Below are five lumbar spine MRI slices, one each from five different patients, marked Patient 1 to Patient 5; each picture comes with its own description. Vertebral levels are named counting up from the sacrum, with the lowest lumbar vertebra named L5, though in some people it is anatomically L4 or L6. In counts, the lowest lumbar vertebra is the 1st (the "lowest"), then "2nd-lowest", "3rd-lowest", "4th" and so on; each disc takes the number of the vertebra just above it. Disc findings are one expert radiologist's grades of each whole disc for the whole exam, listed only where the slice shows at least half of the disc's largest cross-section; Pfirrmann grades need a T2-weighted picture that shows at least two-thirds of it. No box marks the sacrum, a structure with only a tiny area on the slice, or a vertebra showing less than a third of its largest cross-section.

Patient 1 of 5:
Sagittal slice index 8 | MRI lumbar spine (T2-weighted), sagittal plane | Patient sex: M | Scanner: Philips Healthcare Ingenia (3T)

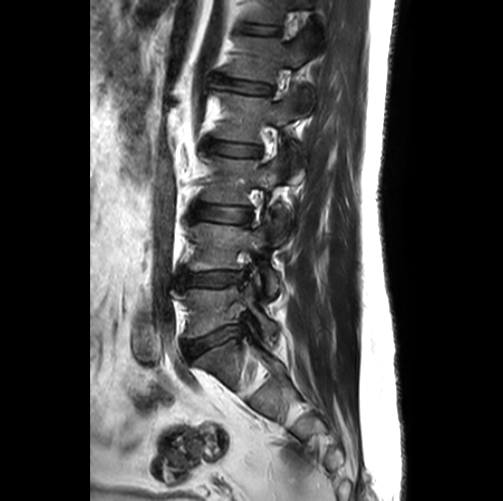
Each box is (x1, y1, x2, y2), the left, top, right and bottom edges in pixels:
L3 — (202, 157, 292, 246) | L4/L5 — (177, 270, 243, 289) | L1 vertebra — (225, 35, 314, 116) | T12 — (248, 0, 312, 23) | IVD L2/L3 — (206, 140, 259, 156) | T12/L1 — (242, 24, 278, 34) | L4 — (188, 223, 280, 296) | L5 — (177, 270, 277, 337) | L2 vertebra — (214, 92, 303, 182) | IVD L3/L4 — (191, 203, 251, 222) | L5/S1 — (183, 326, 240, 360) | L1/L2 — (219, 76, 271, 94)

Per-level radiological findings:
• L2/L3: Pfirrmann grade 2
• L4/L5: Pfirrmann grade 3, lower-endplate change, Modic type II, disc bulging, upper-endplate change, disc narrowing
• L5/S1: disc bulging, disc narrowing
• L1/L2: Pfirrmann grade 2
• L3/L4: Pfirrmann grade 2
• T12/L1: no spondylolisthesis, narrowing, bulging, herniation, Modic or endplate change recorded

Patient 2 of 5:
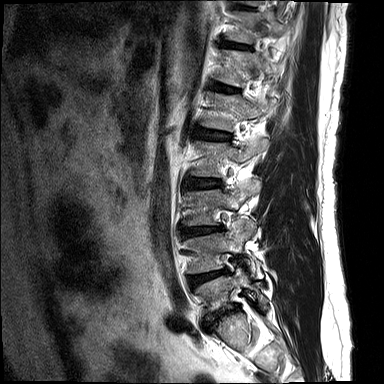 Sagittal slice index 2; MRI lumbar spine (T2-weighted), sagittal plane

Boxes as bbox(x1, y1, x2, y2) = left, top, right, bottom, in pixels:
L1: bbox(203, 94, 275, 130).
IVD L5/S1: bbox(205, 306, 238, 328).
IVD L1/L2: bbox(197, 128, 229, 140).
T12/L1: bbox(213, 83, 236, 92).
L3/L4: bbox(184, 228, 217, 234).
L2 vertebra: bbox(192, 139, 268, 176).
L2/L3: bbox(190, 178, 219, 187).
L3 vertebra: bbox(188, 184, 258, 224).
L5 vertebra: bbox(196, 267, 267, 313).
L4/L5: bbox(189, 270, 224, 286).
L4: bbox(188, 219, 262, 279).
T11/T12: bbox(225, 42, 247, 48).
T12: bbox(218, 50, 276, 86).

Degenerative findings by level:
  L1/L2: Pfirrmann grade 2, disc bulging, upper-endplate change

Patient 3 of 5:
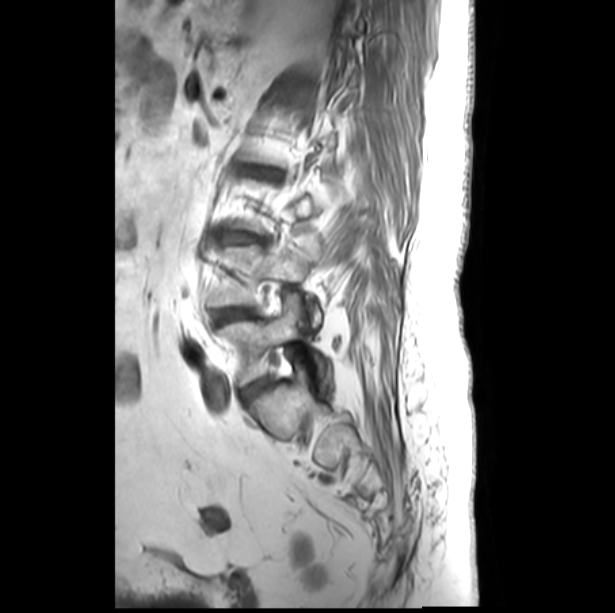 Slice spacing 3.3 mm | Sagittal T1-weighted lumbar spine MRI
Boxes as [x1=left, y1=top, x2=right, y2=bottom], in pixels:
3rd-lowest disc at [x1=222, y1=232, x2=262, y2=241].
Lowest disc at [x1=242, y1=378, x2=270, y2=398].
4th disc at [x1=253, y1=169, x2=277, y2=178].
Lowest vertebra at [x1=219, y1=294, x2=331, y2=395].
2nd-lowest vertebra at [x1=208, y1=242, x2=323, y2=327].
2nd-lowest disc at [x1=214, y1=309, x2=254, y2=323].

Patient 4 of 5:
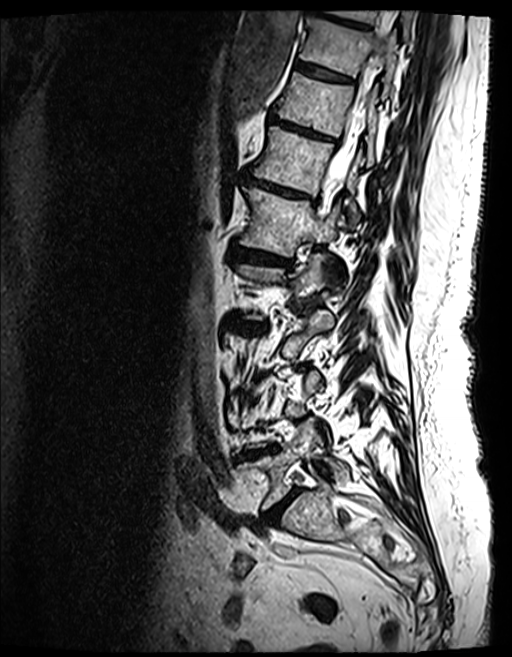 Sagittal T2 SPACE (3D) lumbar spine MRI. Slice 53 of 154. 512x657 px.

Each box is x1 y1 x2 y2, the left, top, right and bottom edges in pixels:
Structures:
- lowest vertebra: 239 421 349 509
- 2nd-lowest disc: 237 450 260 458
- 9th disc: 310 1 368 28
- 5th disc: 234 247 288 264
- 8th disc: 296 61 350 82
- lowest disc: 267 488 298 523
- 7th vertebra: 276 73 377 164
- 5th vertebra: 241 187 339 256
- 9th vertebra: 328 10 414 38
- spinal canal: 319 28 386 216
- 8th vertebra: 300 17 397 97
- 6th disc: 248 178 308 197
- 6th vertebra: 253 126 360 223
- 7th disc: 270 115 330 140
- 4th disc: 229 320 266 331

Degenerative findings by level:
- 5th disc: upper-endplate change, disc bulging, lower-endplate change, disc narrowing, Modic type II
- 6th disc: Pfirrmann grade 4, Modic type II, disc narrowing, disc bulging, upper-endplate change, lower-endplate change
- 9th disc: Pfirrmann grade 4, upper-endplate change, disc bulging, Modic type II, lower-endplate change
- 8th disc: Pfirrmann grade 4, Modic type II, lower-endplate change, upper-endplate change
- 7th disc: Pfirrmann grade 5, Modic type II, disc narrowing, disc bulging, lower-endplate change, upper-endplate change

Patient 5 of 5:
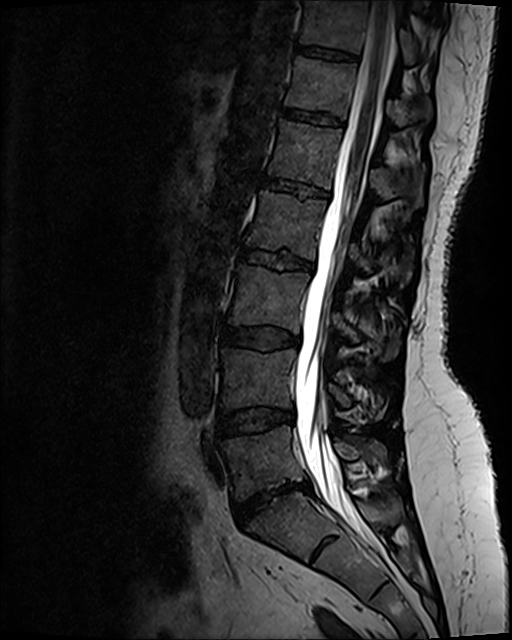 Lumbar spine MR, T2 SPACE (3D), sagittal, Slice 56/120, Sex F
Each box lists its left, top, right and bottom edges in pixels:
4th vertebra at left=246, top=192, right=412, bottom=287 | 6th disc at left=282, top=109, right=342, bottom=127 | 2nd-lowest disc at left=217, top=411, right=292, bottom=437 | 5th disc at left=263, top=179, right=327, bottom=197 | 4th disc at left=240, top=249, right=313, bottom=270 | 5th vertebra at left=269, top=121, right=424, bottom=206 | thecal sac / spinal canal at left=294, top=1, right=394, bottom=551 | lowest disc at left=235, top=484, right=311, bottom=527 | 7th vertebra at left=301, top=1, right=415, bottom=63 | 3rd-lowest disc at left=223, top=328, right=299, bottom=349 | 7th disc at left=298, top=49, right=354, bottom=61 | 2nd-lowest vertebra at left=222, top=350, right=372, bottom=417 | 6th vertebra at left=285, top=57, right=432, bottom=126 | 3rd-lowest vertebra at left=227, top=267, right=398, bottom=362 | lowest vertebra at left=222, top=426, right=387, bottom=499

Degenerative findings by level:
  lowest disc: Pfirrmann grade 1, disc narrowing, disc herniation, disc bulging
  5th disc: Pfirrmann grade 2, lower-endplate change, upper-endplate change
  7th disc: Pfirrmann grade 2
  2nd-lowest disc: Pfirrmann grade 2, disc bulging
  3rd-lowest disc: Pfirrmann grade 2, disc bulging
  4th disc: Pfirrmann grade 4, upper-endplate change, lower-endplate change, disc bulging
  6th disc: Pfirrmann grade 2, upper-endplate change, lower-endplate change